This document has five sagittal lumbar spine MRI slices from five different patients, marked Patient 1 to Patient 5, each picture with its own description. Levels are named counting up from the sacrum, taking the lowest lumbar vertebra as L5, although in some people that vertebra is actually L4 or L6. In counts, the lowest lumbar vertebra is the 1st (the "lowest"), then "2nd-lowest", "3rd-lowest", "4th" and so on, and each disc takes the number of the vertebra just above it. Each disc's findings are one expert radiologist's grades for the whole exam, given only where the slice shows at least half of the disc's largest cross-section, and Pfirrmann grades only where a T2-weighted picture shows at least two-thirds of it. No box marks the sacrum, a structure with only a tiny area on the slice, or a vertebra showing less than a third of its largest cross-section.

Patient 1 of 5:
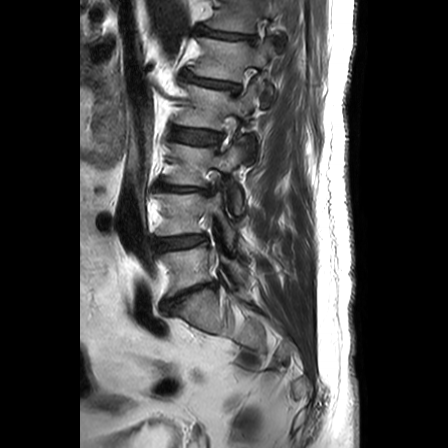
Image 448x448; Patient sex: M; MRI lumbar spine (T2-weighted), sagittal plane
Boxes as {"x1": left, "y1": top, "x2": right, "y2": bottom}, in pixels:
L3/L4 (3rd-lowest disc) — {"x1": 158, "y1": 183, "x2": 210, "y2": 193}.
L4 (2nd-lowest vertebra) — {"x1": 155, "y1": 193, "x2": 236, "y2": 245}.
L5 (lowest vertebra) — {"x1": 161, "y1": 243, "x2": 248, "y2": 296}.
L1/L2 (5th disc) — {"x1": 184, "y1": 72, "x2": 239, "y2": 92}.
L5/S1 (lowest disc) — {"x1": 161, "y1": 283, "x2": 214, "y2": 313}.
L2 (4th vertebra) — {"x1": 176, "y1": 85, "x2": 256, "y2": 129}.
Intervertebral disc L4/L5 (2nd-lowest disc) — {"x1": 156, "y1": 235, "x2": 205, "y2": 249}.
Intervertebral disc T12/L1 (6th disc) — {"x1": 199, "y1": 28, "x2": 253, "y2": 40}.
L2/L3 (4th disc) — {"x1": 172, "y1": 127, "x2": 220, "y2": 144}.
T12 (6th vertebra) — {"x1": 208, "y1": 0, "x2": 286, "y2": 32}.
L3 (3rd-lowest vertebra) — {"x1": 166, "y1": 143, "x2": 243, "y2": 212}.
L1 (5th vertebra) — {"x1": 191, "y1": 37, "x2": 274, "y2": 105}.

Degenerative findings by level:
  L2/L3 (4th disc): Pfirrmann grade 2
  L1/L2 (5th disc): Pfirrmann grade 3, disc narrowing, disc bulging
  L4/L5 (2nd-lowest disc): disc bulging
  L5/S1 (lowest disc): Pfirrmann grade 5, disc narrowing, disc bulging
  L3/L4 (3rd-lowest disc): disc herniation, disc narrowing
  T12/L1 (6th disc): Pfirrmann grade 3, disc bulging, disc narrowing

Patient 2 of 5:
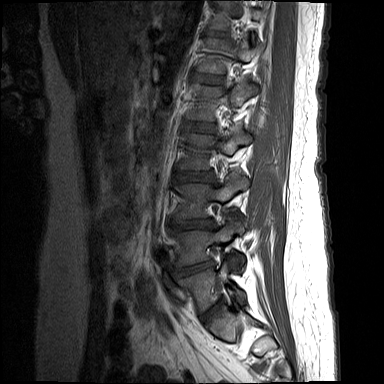

Image 384x384 | T1-weighted sagittal MRI of the lumbar spine | Sagittal slice index 11
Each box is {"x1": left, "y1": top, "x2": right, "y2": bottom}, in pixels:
IVD L1/L2 at {"x1": 186, "y1": 123, "x2": 215, "y2": 131}, IVD L5/S1 at {"x1": 198, "y1": 303, "x2": 221, "y2": 322}, IVD L4/L5 at {"x1": 175, "y1": 261, "x2": 214, "y2": 276}, IVD L3/L4 at {"x1": 170, "y1": 219, "x2": 214, "y2": 228}, L5 vertebra at {"x1": 178, "y1": 262, "x2": 245, "y2": 312}, L2 at {"x1": 178, "y1": 127, "x2": 251, "y2": 169}, T12 vertebra at {"x1": 197, "y1": 38, "x2": 262, "y2": 73}, L1 at {"x1": 187, "y1": 81, "x2": 257, "y2": 120}, T11/T12 at {"x1": 207, "y1": 30, "x2": 226, "y2": 35}, T11 vertebra at {"x1": 211, "y1": 0, "x2": 264, "y2": 30}, L2/L3 at {"x1": 174, "y1": 172, "x2": 214, "y2": 181}, L3 at {"x1": 174, "y1": 171, "x2": 248, "y2": 219}, T12/L1 at {"x1": 195, "y1": 74, "x2": 223, "y2": 84}, L4 at {"x1": 173, "y1": 221, "x2": 244, "y2": 267}.

Radiological gradings:
  L3/L4: disc bulging, upper-endplate change
  L2/L3: disc bulging
  T12/L1, L1/L2: no herniation, bulging, narrowing, spondylolisthesis, endplate or Modic change recorded

Patient 3 of 5:
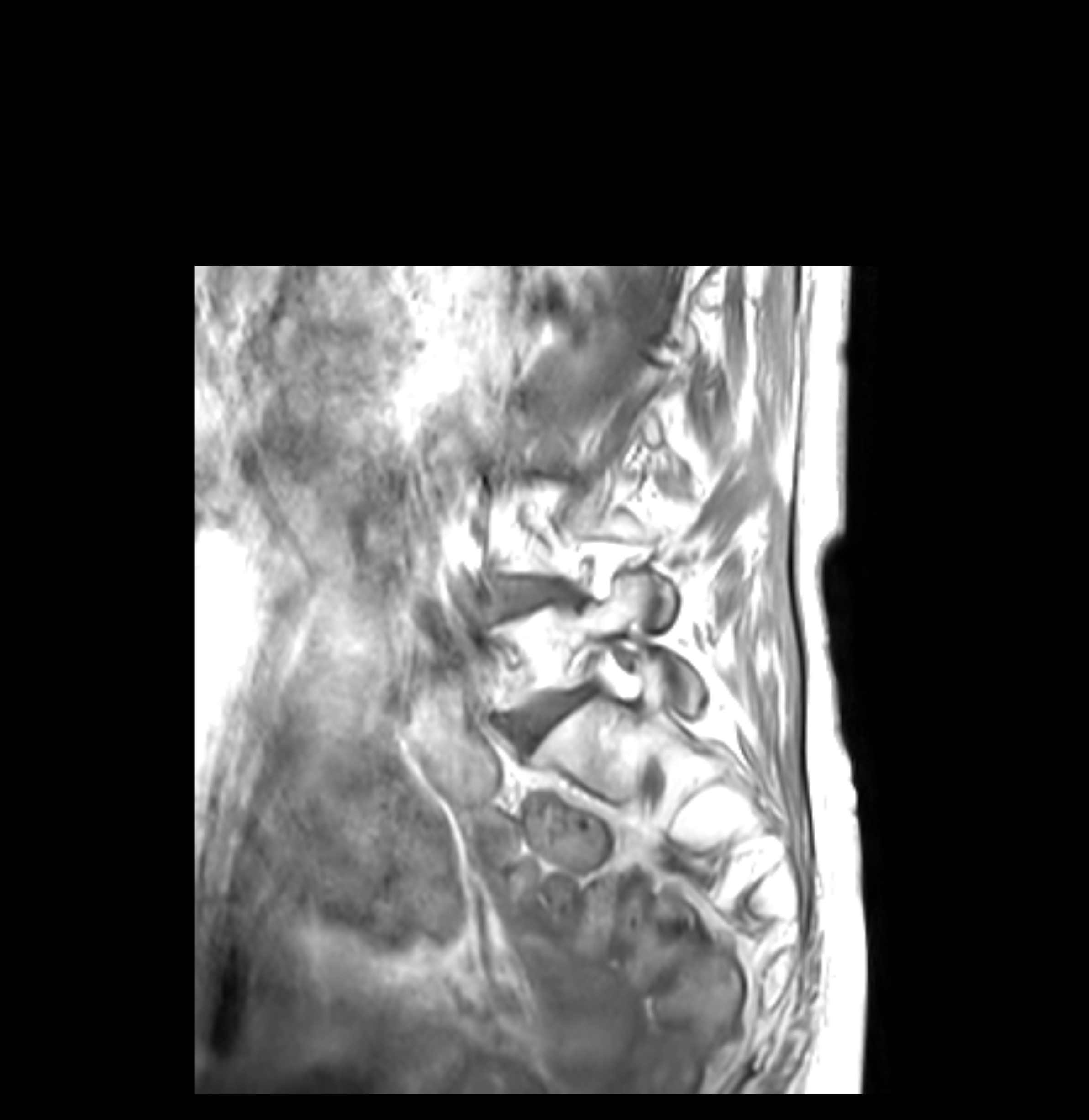 Slice 10 of 36 | Field of view 280x288 mm, slice spacing 3.4 mm | MRI lumbar spine (T1-weighted), sagittal plane
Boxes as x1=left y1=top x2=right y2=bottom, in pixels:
IVD L5/S1 = x1=513 y1=688 x2=590 y2=742.
L5 = x1=494 y1=574 x2=702 y2=716.
L4/L5 = x1=496 y1=581 x2=566 y2=617.

Patient 4 of 5:
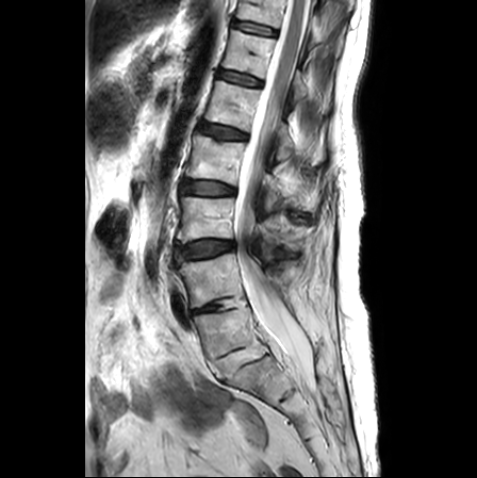 T2-weighted sagittal MRI of the lumbar spine, Sagittal slice index 11, Patient sex: F

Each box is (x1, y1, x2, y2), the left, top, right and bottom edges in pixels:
Intervertebral disc L3/L4 at (175, 240, 234, 261).
Intervertebral disc L1/L2 at (198, 123, 246, 138).
Intervertebral disc L5/S1 at (209, 349, 248, 381).
L1 vertebra at (204, 81, 317, 162).
T11 vertebra at (236, 0, 341, 52).
L4 vertebra at (177, 253, 246, 308).
L2/L3 at (181, 179, 234, 194).
L2 at (185, 133, 314, 211).
Spinal canal at (234, 0, 312, 379).
T12 vertebra at (223, 30, 307, 99).
T12/L1 at (218, 70, 262, 85).
L3 at (177, 196, 284, 244).
L5 at (193, 305, 267, 362).
T11/T12 at (233, 20, 275, 35).
L4/L5 at (193, 303, 222, 313).

Radiological gradings:
- T11/T12: Pfirrmann grade 1
- L5/S1: Pfirrmann grade 1
- L2/L3: Pfirrmann grade 2, upper-endplate change, disc bulging, lower-endplate change
- L3/L4: Pfirrmann grade 3, upper-endplate change, disc bulging, lower-endplate change, Modic type II
- L1/L2: Pfirrmann grade 2, lower-endplate change, upper-endplate change
- T12/L1: Pfirrmann grade 1
- L4/L5: Pfirrmann grade 3, disc narrowing

Patient 5 of 5:
512x512 px. MRI lumbar spine (T1-weighted), sagittal plane.
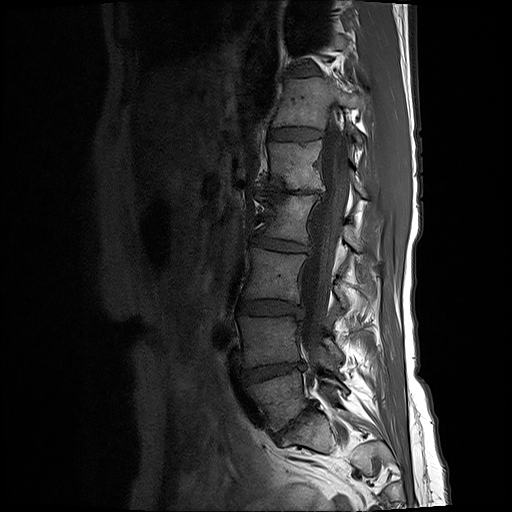

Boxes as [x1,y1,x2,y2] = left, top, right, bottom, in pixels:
T12/L1 = [267,127,321,142].
L5 = [243,368,347,430].
T12 vertebra = [272,77,368,143].
L3 vertebra = [244,247,347,308].
L1/L2 = [258,188,324,197].
L2/L3 = [253,234,309,251].
L2 vertebra = [257,196,365,252].
IVD L3/L4 = [238,299,301,316].
L5/S1 = [274,404,313,438].
IVD L4/L5 = [242,362,303,382].
L4 = [238,315,343,367].
T11/T12 = [284,66,318,76].
L1 = [256,141,365,195].
Thecal sac / spinal canal = [298,126,345,359].

Degenerative findings by level:
  L3/L4: disc bulging
  L1/L2: disc narrowing, disc bulging, Modic type II, lower-endplate change, upper-endplate change
  L2/L3: disc narrowing, disc bulging
  L4/L5: disc bulging, Modic type II, disc narrowing
  T12/L1: no spondylolisthesis, narrowing, bulging, herniation, Modic or endplate change recorded